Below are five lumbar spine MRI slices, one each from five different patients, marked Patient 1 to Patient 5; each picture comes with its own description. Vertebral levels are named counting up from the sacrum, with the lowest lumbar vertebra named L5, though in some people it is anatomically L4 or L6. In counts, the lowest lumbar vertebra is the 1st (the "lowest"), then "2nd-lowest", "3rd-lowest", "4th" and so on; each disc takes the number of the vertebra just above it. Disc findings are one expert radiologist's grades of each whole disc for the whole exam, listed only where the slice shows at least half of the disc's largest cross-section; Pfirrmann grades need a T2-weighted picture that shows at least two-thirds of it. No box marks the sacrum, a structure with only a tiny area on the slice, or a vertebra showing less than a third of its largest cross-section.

Patient 1 of 5:
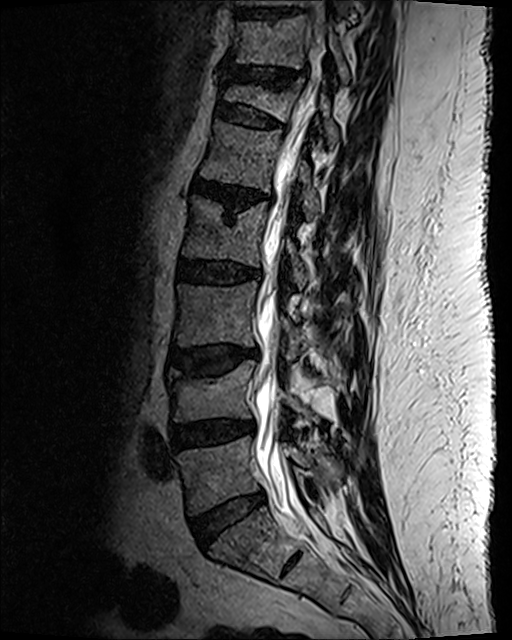

512x640 px, Slice 50/120, T2 SPACE (3D) sagittal MRI of the lumbar spine, Sex M

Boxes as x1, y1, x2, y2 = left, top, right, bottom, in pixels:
Annotations:
• 5th disc: 193, 181, 256, 212
• 3rd-lowest disc: 169, 347, 258, 374
• 4th disc: 178, 260, 260, 285
• 8th disc: 239, 10, 300, 19
• 5th vertebra: 200, 121, 319, 220
• 2nd-lowest vertebra: 167, 361, 307, 422
• 7th disc: 227, 68, 297, 88
• spinal canal: 254, 12, 325, 514
• 3rd-lowest vertebra: 175, 281, 310, 360
• 7th vertebra: 233, 16, 348, 82
• 2nd-lowest disc: 171, 421, 244, 448
• 4th vertebra: 183, 198, 307, 289
• lowest vertebra: 177, 437, 343, 514
• 6th disc: 217, 103, 283, 129
• lowest disc: 192, 490, 265, 545
• 6th vertebra: 224, 79, 338, 149

Radiological gradings:
- 3rd-lowest disc: Pfirrmann grade 3, disc bulging, Modic type II, lower-endplate change, upper-endplate change
- lowest disc: Pfirrmann grade 2, disc bulging
- 5th disc: Pfirrmann grade 3, Modic type II, lower-endplate change, disc narrowing, disc bulging, upper-endplate change
- 6th disc: Pfirrmann grade 2, spondylolisthesis, lower-endplate change, disc bulging, upper-endplate change
- 7th disc: Pfirrmann grade 2, disc bulging, disc narrowing, upper-endplate change, lower-endplate change
- 2nd-lowest disc: Pfirrmann grade 3, disc narrowing, disc bulging
- 4th disc: Pfirrmann grade 3, lower-endplate change, disc bulging

Patient 2 of 5:
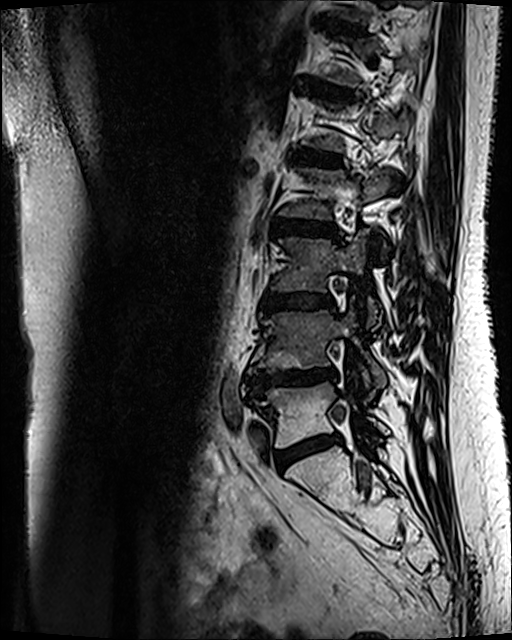 T2 SPACE (3D) sagittal MRI of the lumbar spine

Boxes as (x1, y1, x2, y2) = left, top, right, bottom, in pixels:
L1/L2: (295, 149, 341, 165)
L3 vertebra: (272, 237, 381, 326)
IVD L4/L5: (246, 368, 335, 395)
T12/L1: (313, 83, 348, 96)
IVD T11/T12: (321, 20, 359, 33)
IVD L5/S1: (276, 434, 341, 471)
L2/L3: (272, 216, 337, 237)
L4 vertebra: (249, 301, 386, 398)
IVD L3/L4: (264, 295, 333, 309)
L5 vertebra: (255, 383, 389, 448)

Degenerative findings by level:
- L2/L3: Pfirrmann grade 3, Modic type II, disc bulging
- L4/L5: Pfirrmann grade 4, disc narrowing, Modic type II, lower-endplate change, upper-endplate change, disc bulging
- L5/S1: disc bulging, Modic type II
- L1/L2: Modic type II
- L3/L4: Pfirrmann grade 3, Modic type II, disc bulging

Patient 3 of 5:
Sagittal T2 SPACE (3D) lumbar spine MRI; Slice 66/120; SIEMENS Avanto_fit (1.5T)
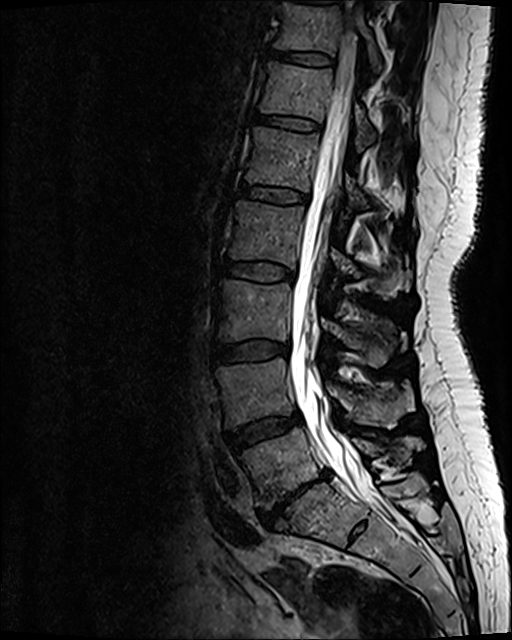
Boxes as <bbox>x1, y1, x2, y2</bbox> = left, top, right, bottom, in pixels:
3rd-lowest vertebra: <bbox>216, 281, 405, 367</bbox>
spinal canal: <bbox>290, 1, 394, 517</bbox>
6th disc: <bbox>256, 114, 320, 131</bbox>
7th disc: <bbox>269, 50, 331, 64</bbox>
2nd-lowest disc: <bbox>227, 413, 301, 451</bbox>
6th vertebra: <bbox>260, 63, 375, 140</bbox>
5th vertebra: <bbox>246, 128, 368, 206</bbox>
2nd-lowest vertebra: <bbox>216, 358, 414, 427</bbox>
lowest vertebra: <bbox>241, 427, 422, 508</bbox>
4th vertebra: <bbox>229, 201, 411, 299</bbox>
7th vertebra: <bbox>274, 6, 381, 69</bbox>
3rd-lowest disc: <bbox>212, 341, 288, 363</bbox>
5th disc: <bbox>240, 184, 307, 204</bbox>
lowest disc: <bbox>258, 471, 330, 525</bbox>
4th disc: <bbox>219, 260, 294, 280</bbox>

Per-level radiological findings:
- 2nd-lowest disc: Pfirrmann grade 3, disc bulging
- 6th disc: Pfirrmann grade 2
- 3rd-lowest disc: Pfirrmann grade 2, disc bulging
- lowest disc: Pfirrmann grade 5, lower-endplate change, Modic type III, disc narrowing, upper-endplate change, disc bulging, disc herniation
- 7th disc: Pfirrmann grade 2
- 4th disc: Pfirrmann grade 2
- 5th disc: Pfirrmann grade 2

Patient 4 of 5:
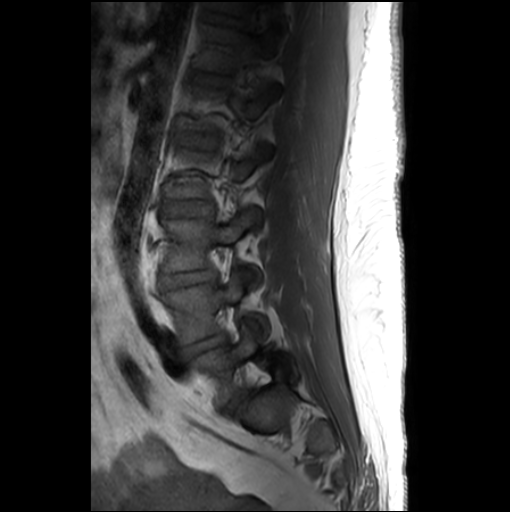

510x512 px | Lumbar spine MR, T1-weighted, sagittal | Patient sex: F | Slice 19 of 26

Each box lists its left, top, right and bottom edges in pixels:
2nd-lowest disc: left=176, top=334, right=225, bottom=359 | 3rd-lowest disc: left=160, top=269, right=215, bottom=288 | 3rd-lowest vertebra: left=161, top=209, right=259, bottom=286 | lowest vertebra: left=189, top=327, right=297, bottom=405 | 6th vertebra: left=200, top=23, right=281, bottom=95 | lowest disc: left=223, top=388, right=248, bottom=414 | 7th disc: left=204, top=11, right=245, bottom=24 | 2nd-lowest vertebra: left=161, top=271, right=267, bottom=343 | 5th disc: left=181, top=132, right=189, bottom=142 | 4th disc: left=163, top=200, right=212, bottom=215 | 7th vertebra: left=207, top=2, right=249, bottom=14

Radiological gradings:
• 3rd-lowest disc: disc bulging, disc narrowing
• 2nd-lowest disc: disc bulging, disc narrowing
• 7th disc, 4th disc: no spondylolisthesis, narrowing, bulging, herniation, Modic or endplate change recorded

Patient 5 of 5:
Slice spacing 3.3 mm | MRI lumbar spine (T2-weighted), sagittal plane 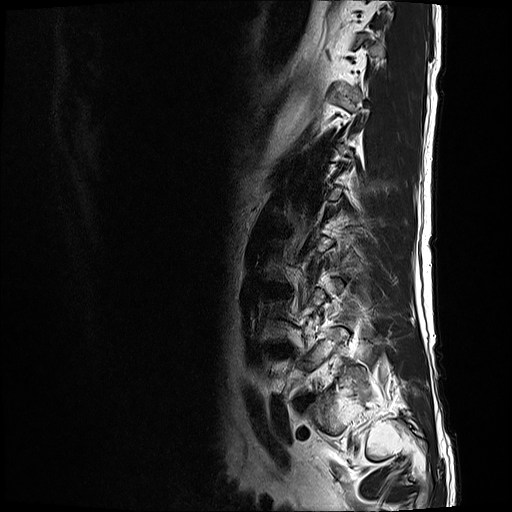
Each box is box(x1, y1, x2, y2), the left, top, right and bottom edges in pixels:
L3/L4: box(264, 283, 285, 291).
L4/L5: box(271, 345, 295, 357).
L5/S1: box(295, 394, 313, 409).